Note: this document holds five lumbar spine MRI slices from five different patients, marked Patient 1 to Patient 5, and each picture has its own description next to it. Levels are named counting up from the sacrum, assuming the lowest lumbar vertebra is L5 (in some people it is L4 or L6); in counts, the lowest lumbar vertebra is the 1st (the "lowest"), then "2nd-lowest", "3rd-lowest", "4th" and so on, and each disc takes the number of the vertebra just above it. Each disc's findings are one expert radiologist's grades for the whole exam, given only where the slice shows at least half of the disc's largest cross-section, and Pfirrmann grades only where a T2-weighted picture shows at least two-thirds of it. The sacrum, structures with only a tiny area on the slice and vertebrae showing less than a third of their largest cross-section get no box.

Patient 1 of 5:
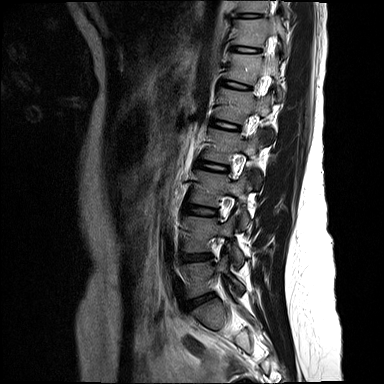 Slice spacing 4.4 mm, Lumbar spine MR, T2-weighted, sagittal

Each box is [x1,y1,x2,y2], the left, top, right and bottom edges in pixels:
Segmented structures:
* disc T12/L1 — [223,81,251,89]
* L4/L5 — [183,253,211,261]
* disc T10/T11 — [239,13,261,17]
* T11 vertebra — [233,17,287,57]
* L2 vertebra — [203,128,262,189]
* L5 — [182,258,244,297]
* disc L3/L4 — [186,206,217,215]
* L4 — [184,216,245,270]
* disc T11/T12 — [232,46,259,52]
* T10 vertebra — [238,1,287,11]
* disc L1/L2 — [212,120,239,129]
* spinal canal — [261,56,270,92]
* disc L5/S1 — [187,294,212,308]
* disc L2/L3 — [197,160,228,170]
* T12 — [226,53,282,101]
* L3 vertebra — [191,170,250,228]
* L1 — [217,88,274,144]

Radiological gradings:
• T12/L1: Pfirrmann grade 1
• L2/L3: Pfirrmann grade 1
• T11/T12: Pfirrmann grade 1
• T10/T11, L3/L4, L1/L2: no herniation, bulging, narrowing, spondylolisthesis, endplate or Modic change recorded

Patient 2 of 5:
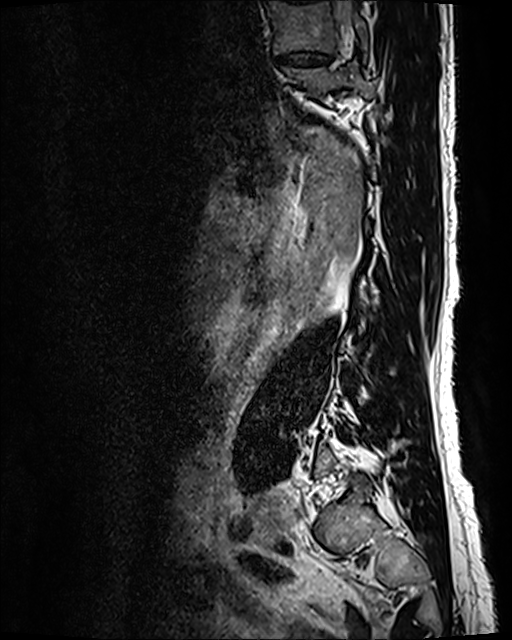 Field of view 240x300 mm | Sagittal slice index 103 | Patient sex: F | Sagittal T2 SPACE (3D) lumbar spine MRI
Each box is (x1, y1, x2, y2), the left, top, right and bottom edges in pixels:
8th disc at (277, 52, 330, 66), 8th vertebra at (268, 2, 367, 54), 7th vertebra at (283, 61, 377, 98), thecal sac / spinal canal at (334, 2, 352, 24).

Per-level radiological findings:
- 8th disc: Pfirrmann grade 3, disc bulging, disc narrowing

Patient 3 of 5:
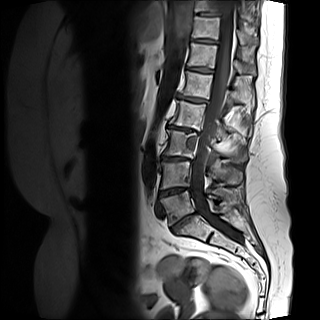 T1-weighted sagittal MRI of the lumbar spine, Patient sex: F, 320x320 px, Sagittal slice index 6
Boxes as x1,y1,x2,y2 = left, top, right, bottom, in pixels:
L3/L4 (3rd-lowest disc) = 161,156,187,161.
L2 (4th vertebra) = 169,100,251,139.
Intervertebral disc L2/L3 (4th disc) = 168,125,194,132.
T12/L1 (6th disc) = 187,67,212,73.
L5 (lowest vertebra) = 160,191,220,225.
L4/L5 (2nd-lowest disc) = 159,187,190,197.
T12 (6th vertebra) = 187,43,256,75.
Spinal canal = 191,0,243,243.
Intervertebral disc L5/S1 (lowest disc) = 170,213,195,233.
Intervertebral disc T11/T12 (7th disc) = 192,39,217,43.
T11 (7th vertebra) = 192,16,258,45.
L1/L2 (5th disc) = 178,94,206,102.
L1 (5th vertebra) = 181,71,254,108.
L4 (2nd-lowest vertebra) = 160,161,241,189.
L3 (3rd-lowest vertebra) = 163,129,246,163.

Expert MSK radiologist gradings (per disc):
• L1/L2 (5th disc): disc narrowing, upper-endplate change, Modic type II, lower-endplate change, disc bulging
• L5/S1 (lowest disc): disc bulging, lower-endplate change, Modic type II, disc narrowing, upper-endplate change
• L3/L4 (3rd-lowest disc): disc narrowing, upper-endplate change, Modic type II, lower-endplate change, disc bulging
• L2/L3 (4th disc): Modic type II, disc bulging, upper-endplate change, disc narrowing, lower-endplate change
• L4/L5 (2nd-lowest disc): disc narrowing, Modic type II, disc bulging, lower-endplate change, upper-endplate change
• T12/L1 (6th disc), T11/T12 (7th disc): no spondylolisthesis, narrowing, bulging, herniation, Modic or endplate change recorded

Patient 4 of 5:
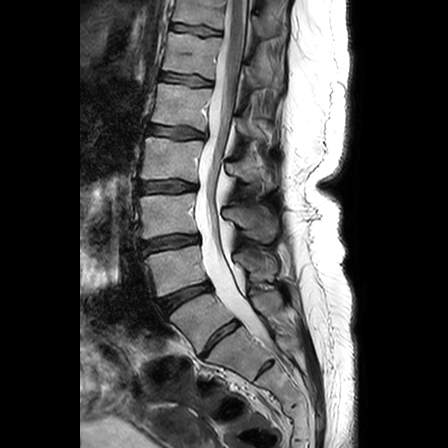 Patient sex: F, 448x448 px, Sagittal slice index 12, Sagittal T2-weighted lumbar spine MRI

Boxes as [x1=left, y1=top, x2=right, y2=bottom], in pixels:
Disc L4/L5 at [x1=161, y1=283, x2=210, y2=313], disc L5/S1 at [x1=202, y1=321, x2=237, y2=357], L2 vertebra at [x1=140, y1=137, x2=275, y2=190], disc L2/L3 at [x1=139, y1=181, x2=195, y2=192], disc T12/L1 at [x1=160, y1=73, x2=211, y2=85], L3 vertebra at [x1=137, y1=193, x2=277, y2=242], thecal sac / spinal canal at [x1=195, y1=0, x2=267, y2=341], disc L1/L2 at [x1=148, y1=125, x2=204, y2=138], T12 at [x1=163, y1=32, x2=283, y2=90], L1 vertebra at [x1=151, y1=83, x2=255, y2=135], disc T11/T12 at [x1=171, y1=24, x2=220, y2=36], disc L3/L4 at [x1=141, y1=235, x2=199, y2=251], L5 at [x1=170, y1=290, x2=285, y2=352], T11 at [x1=172, y1=0, x2=287, y2=39], L4 vertebra at [x1=145, y1=245, x2=276, y2=296].

Radiological gradings:
• L2/L3: Pfirrmann grade 3, lower-endplate change, disc bulging, upper-endplate change
• L1/L2: Pfirrmann grade 3, lower-endplate change, disc bulging, upper-endplate change
• L3/L4: Pfirrmann grade 3, lower-endplate change, upper-endplate change, disc bulging
• T12/L1: Pfirrmann grade 2, lower-endplate change, upper-endplate change
• T11/T12: Pfirrmann grade 2, upper-endplate change, lower-endplate change
• L4/L5: Pfirrmann grade 4, disc bulging, disc narrowing
• L5/S1: Pfirrmann grade 3

Patient 5 of 5:
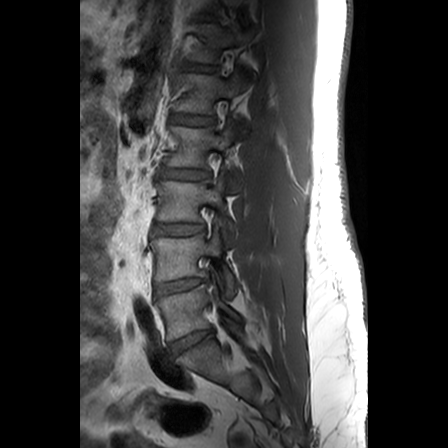

Lumbar spine MR, T1-weighted, sagittal. Image 448x448.
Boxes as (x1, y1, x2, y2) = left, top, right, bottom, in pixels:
L3/L4 (3rd-lowest disc) at (152, 224, 204, 235), L4/L5 (2nd-lowest disc) at (154, 278, 204, 297), L1 (5th vertebra) at (171, 73, 244, 129), L5 (lowest vertebra) at (155, 284, 243, 340), IVD T11/T12 (7th disc) at (198, 14, 216, 19), L5/S1 (lowest disc) at (170, 330, 210, 353), L3 (3rd-lowest vertebra) at (156, 178, 236, 240), T12 (6th vertebra) at (187, 24, 250, 71), IVD L2/L3 (4th disc) at (160, 169, 209, 179), IVD L1/L2 (5th disc) at (170, 114, 213, 125), L2 (4th vertebra) at (164, 125, 241, 192), T12/L1 (6th disc) at (188, 64, 217, 71), L4 (2nd-lowest vertebra) at (150, 229, 237, 298).

Radiological gradings:
- L2/L3 (4th disc): disc bulging
- L5/S1 (lowest disc): disc bulging
- L3/L4 (3rd-lowest disc), L1/L2 (5th disc), L4/L5 (2nd-lowest disc): no herniation, bulging, narrowing, spondylolisthesis, endplate or Modic change recorded